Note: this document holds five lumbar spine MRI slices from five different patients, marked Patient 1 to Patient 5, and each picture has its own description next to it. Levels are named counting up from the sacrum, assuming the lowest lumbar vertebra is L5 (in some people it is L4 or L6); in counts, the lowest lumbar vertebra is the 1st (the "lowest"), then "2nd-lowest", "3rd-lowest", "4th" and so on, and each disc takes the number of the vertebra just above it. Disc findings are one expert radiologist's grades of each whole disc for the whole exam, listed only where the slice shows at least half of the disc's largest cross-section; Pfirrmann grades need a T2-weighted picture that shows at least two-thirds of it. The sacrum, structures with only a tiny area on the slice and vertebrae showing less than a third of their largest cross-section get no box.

Patient 1 of 5:
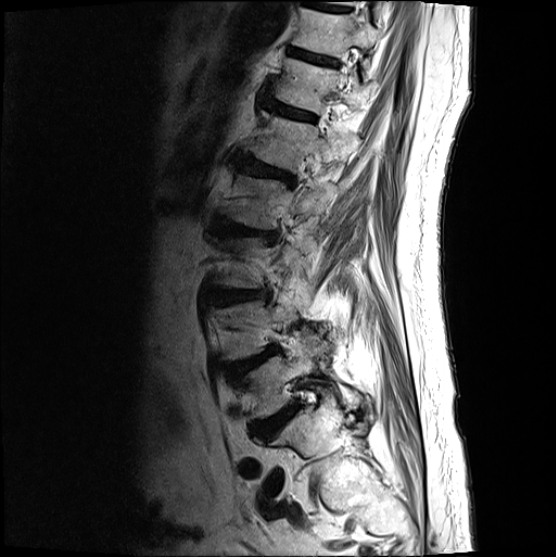

MRI lumbar spine (T2-weighted), sagittal plane; 556x557 px; Patient sex: M

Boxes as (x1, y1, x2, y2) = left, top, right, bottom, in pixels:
T11 vertebra: (291, 7, 379, 57).
L3 vertebra: (211, 232, 316, 288).
L4: (215, 289, 308, 360).
Disc L2/L3: (212, 216, 277, 241).
Disc L5/S1: (252, 401, 300, 439).
T11/T12: (287, 45, 339, 66).
Disc L4/L5: (226, 345, 280, 379).
T12: (276, 57, 373, 114).
Disc T12/L1: (263, 100, 316, 120).
L1 vertebra: (246, 110, 358, 171).
Disc L3/L4: (207, 288, 269, 305).
L1/L2: (232, 153, 294, 184).
L5: (237, 335, 358, 418).
L2 vertebra: (219, 174, 337, 229).

Radiological gradings:
- L1/L2: Pfirrmann grade 4, disc bulging, lower-endplate change, upper-endplate change
- T12/L1: Pfirrmann grade 3
- L3/L4: disc bulging
- T11/T12: Pfirrmann grade 3, lower-endplate change
- L2/L3: disc narrowing, upper-endplate change, lower-endplate change, disc bulging
- L5/S1: no spondylolisthesis, narrowing, bulging, herniation, Modic or endplate change recorded

Patient 2 of 5:
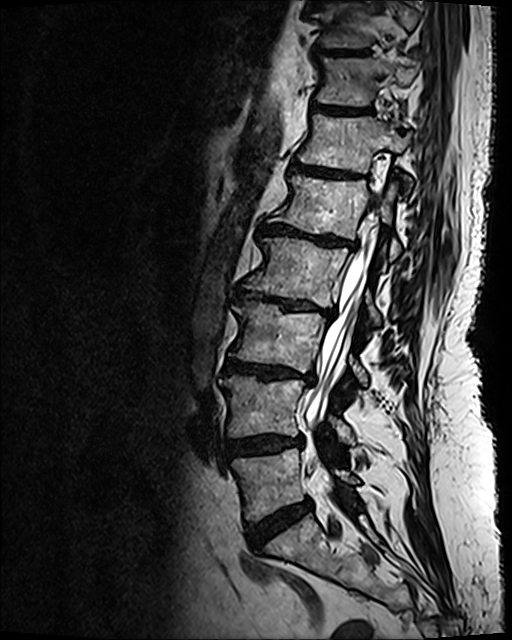 Slice 69/120; Field of view 240x300 mm, slice spacing 0.9 mm; 512x640 px; Lumbar spine MR, T2 SPACE (3D), sagittal
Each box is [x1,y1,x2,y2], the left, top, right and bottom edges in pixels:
{"7th disc": "[314,106,350,113]", "thecal sac / spinal canal": "[305,192,378,489]", "3rd-lowest disc": "[225,359,314,381]", "8th disc": "[315,49,367,53]", "3rd-lowest vertebra": "[231,301,366,382]", "4th vertebra": "[244,237,380,324]", "7th vertebra": "[316,56,414,106]", "6th vertebra": "[299,115,411,193]", "lowest disc": "[246,500,312,549]", "2nd-lowest vertebra": "[221,376,354,442]", "6th disc": "[290,162,351,176]", "5th vertebra": "[269,175,400,260]", "lowest vertebra": "[232,448,359,520]", "4th disc": "[237,289,334,314]", "2nd-lowest disc": "[222,435,303,458]", "5th disc": "[259,225,356,247]", "8th vertebra": "[316,0,418,47]"}

Per-level radiological findings:
- 3rd-lowest disc: Pfirrmann grade 5, disc bulging, upper-endplate change, Modic type II, lower-endplate change, disc narrowing
- 2nd-lowest disc: Pfirrmann grade 4, lower-endplate change, upper-endplate change, disc bulging
- 5th disc: Pfirrmann grade 5, disc bulging, upper-endplate change, lower-endplate change, Modic type II, disc narrowing
- 6th disc: upper-endplate change, Modic type II, lower-endplate change
- lowest disc: Pfirrmann grade 4, disc bulging
- 8th disc: upper-endplate change, lower-endplate change
- 4th disc: Modic type II, lower-endplate change, disc narrowing, upper-endplate change, disc bulging
- 7th disc: lower-endplate change, upper-endplate change

Patient 3 of 5:
Sagittal slice index 6. Sex M. MRI lumbar spine (T1-weighted), sagittal plane.

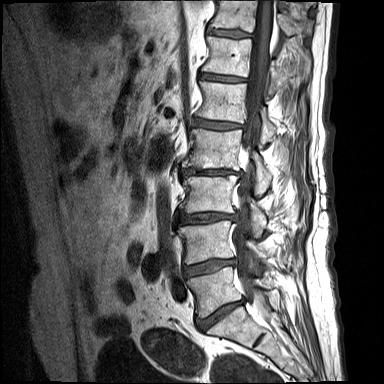 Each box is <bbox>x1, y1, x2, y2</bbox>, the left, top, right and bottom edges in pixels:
L2 (4th vertebra) at <bbox>182, 128, 271, 195</bbox>, L4/L5 (2nd-lowest disc) at <bbox>183, 259, 235, 276</bbox>, disc L3/L4 (3rd-lowest disc) at <bbox>177, 213, 237, 224</bbox>, L5/S1 (lowest disc) at <bbox>196, 299, 244, 330</bbox>, disc L1/L2 (5th disc) at <bbox>193, 118, 243, 128</bbox>, T12 (6th vertebra) at <bbox>202, 36, 308, 93</bbox>, L4 (2nd-lowest vertebra) at <bbox>178, 220, 267, 263</bbox>, L1 (5th vertebra) at <bbox>197, 81, 275, 143</bbox>, thecal sac / spinal canal at <bbox>232, 0, 273, 322</bbox>, L2/L3 (4th disc) at <bbox>181, 168, 242, 176</bbox>, L3 (3rd-lowest vertebra) at <bbox>180, 175, 266, 234</bbox>, disc T12/L1 (6th disc) at <bbox>200, 73, 244, 81</bbox>, T11 (7th vertebra) at <bbox>210, 0, 311, 36</bbox>, L5 (lowest vertebra) at <bbox>187, 267, 271, 317</bbox>, disc T11/T12 (7th disc) at <bbox>207, 29, 251, 38</bbox>.

Expert MSK radiologist gradings (per disc):
  L5/S1 (lowest disc): Modic type II, disc bulging, disc narrowing
  L3/L4 (3rd-lowest disc): lower-endplate change, upper-endplate change, Modic type II, disc narrowing, disc herniation
  L1/L2 (5th disc): Modic type II, disc narrowing, lower-endplate change, disc bulging
  L4/L5 (2nd-lowest disc): disc bulging, Modic type II, lower-endplate change, disc narrowing
  T12/L1 (6th disc): disc narrowing, Modic type II
  T11/T12 (7th disc): disc narrowing, Modic type II, upper-endplate change, lower-endplate change
  L2/L3 (4th disc): Modic type II, disc herniation, disc narrowing, lower-endplate change

Patient 4 of 5:
Patient sex: F; MRI lumbar spine (T2-weighted), sagittal plane; SIEMENS Avanto_fit (1.5T); Slice 12 of 19
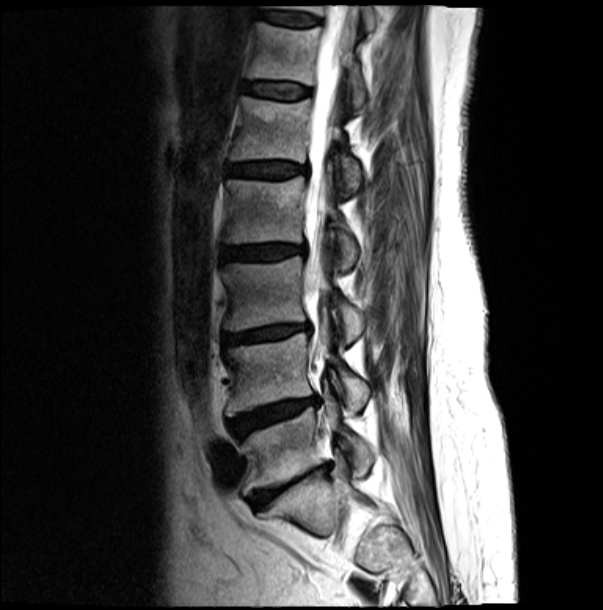
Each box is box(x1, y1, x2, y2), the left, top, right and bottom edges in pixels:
- 6th disc: box(245, 82, 310, 99)
- 2nd-lowest vertebra: box(226, 333, 369, 415)
- lowest vertebra: box(242, 403, 376, 490)
- 3rd-lowest vertebra: box(224, 257, 363, 342)
- 4th disc: box(221, 244, 303, 259)
- 5th disc: box(228, 162, 305, 177)
- 2nd-lowest disc: box(229, 397, 316, 437)
- lowest disc: box(251, 465, 329, 506)
- 4th vertebra: box(224, 176, 357, 269)
- 7th disc: box(256, 11, 319, 25)
- 5th vertebra: box(229, 97, 360, 189)
- 7th vertebra: box(265, 5, 376, 29)
- thecal sac / spinal canal: box(304, 5, 352, 364)
- 6th vertebra: box(246, 22, 366, 110)
- 3rd-lowest disc: box(224, 325, 308, 344)

Per-level radiological findings:
- 7th disc: Pfirrmann grade 3, Modic type II
- 3rd-lowest disc: Pfirrmann grade 4, upper-endplate change, disc narrowing, Modic type II, lower-endplate change, disc bulging
- lowest disc: upper-endplate change, lower-endplate change, disc bulging, disc narrowing, Modic type II
- 6th disc: Pfirrmann grade 3, Modic type II, lower-endplate change, upper-endplate change
- 5th disc: Pfirrmann grade 4, disc bulging, Modic type II, upper-endplate change, lower-endplate change
- 2nd-lowest disc: Pfirrmann grade 4, Modic type II, disc narrowing, lower-endplate change, disc bulging, upper-endplate change
- 4th disc: Pfirrmann grade 4, Modic type II, upper-endplate change, lower-endplate change, disc bulging

Patient 5 of 5:
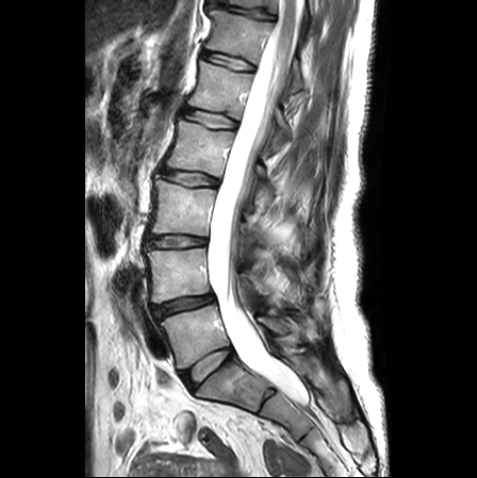 Sagittal T2-weighted lumbar spine MRI; Slice 12/25
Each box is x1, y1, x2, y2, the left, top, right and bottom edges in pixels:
Structures:
- 7th vertebra: 220, 0, 315, 20
- 3rd-lowest disc: 148, 235, 206, 247
- 4th disc: 161, 168, 217, 186
- 5th disc: 183, 107, 236, 128
- 5th vertebra: 188, 60, 291, 143
- 6th disc: 202, 51, 253, 70
- 3rd-lowest vertebra: 150, 175, 273, 246
- lowest disc: 182, 348, 232, 389
- 2nd-lowest disc: 153, 294, 214, 318
- 4th vertebra: 165, 119, 274, 206
- 2nd-lowest vertebra: 146, 248, 277, 302
- spinal canal: 208, 0, 303, 394
- 7th disc: 209, 1, 274, 19
- 6th vertebra: 207, 9, 302, 91
- lowest vertebra: 161, 304, 289, 368

Per-level radiological findings:
  4th disc: Pfirrmann grade 2, disc bulging, lower-endplate change, upper-endplate change
  lowest disc: Pfirrmann grade 1
  3rd-lowest disc: Pfirrmann grade 2, disc bulging, disc narrowing
  2nd-lowest disc: Pfirrmann grade 3, upper-endplate change, disc bulging, lower-endplate change, disc narrowing
  5th disc: Pfirrmann grade 1, lower-endplate change, upper-endplate change
  6th disc: Pfirrmann grade 1, lower-endplate change, upper-endplate change
  7th disc: Pfirrmann grade 1, disc narrowing, upper-endplate change, lower-endplate change